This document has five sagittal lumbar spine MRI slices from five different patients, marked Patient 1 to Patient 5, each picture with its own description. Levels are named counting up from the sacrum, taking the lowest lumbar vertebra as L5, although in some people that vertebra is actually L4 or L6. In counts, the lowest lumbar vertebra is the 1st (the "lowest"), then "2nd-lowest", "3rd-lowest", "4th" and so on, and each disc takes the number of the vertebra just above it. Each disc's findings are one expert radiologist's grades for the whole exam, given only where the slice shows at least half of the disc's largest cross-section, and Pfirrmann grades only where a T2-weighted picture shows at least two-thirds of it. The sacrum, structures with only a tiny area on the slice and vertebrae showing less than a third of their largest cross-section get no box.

Patient 1 of 5:
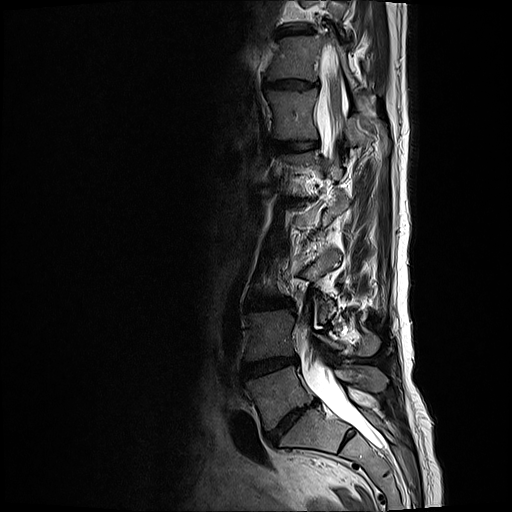

Image 512x512; Sagittal slice index 16; Sagittal T2-weighted lumbar spine MRI

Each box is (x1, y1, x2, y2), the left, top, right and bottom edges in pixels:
disc L4/L5: (242, 359, 297, 379) | T11 vertebra: (270, 35, 360, 90) | disc T10/T11: (281, 29, 314, 35) | L5/S1: (267, 403, 314, 443) | disc T12/L1: (272, 140, 317, 153) | T11/T12: (264, 77, 319, 89) | spinal canal: (301, 46, 380, 446) | L3/L4: (247, 295, 291, 310) | L5: (246, 366, 387, 430) | L4 vertebra: (246, 307, 379, 361) | disc L1/L2: (282, 197, 310, 204) | T12 vertebra: (266, 89, 389, 149)

Degenerative findings by level:
  T12/L1: Pfirrmann grade 2
  L4/L5: Pfirrmann grade 4, disc bulging, disc narrowing, Modic type II
  T11/T12: Pfirrmann grade 3, disc bulging, disc narrowing
  L3/L4: disc bulging
  L5/S1: Pfirrmann grade 5, upper-endplate change, lower-endplate change, Modic type II, disc narrowing, disc bulging

Patient 2 of 5:
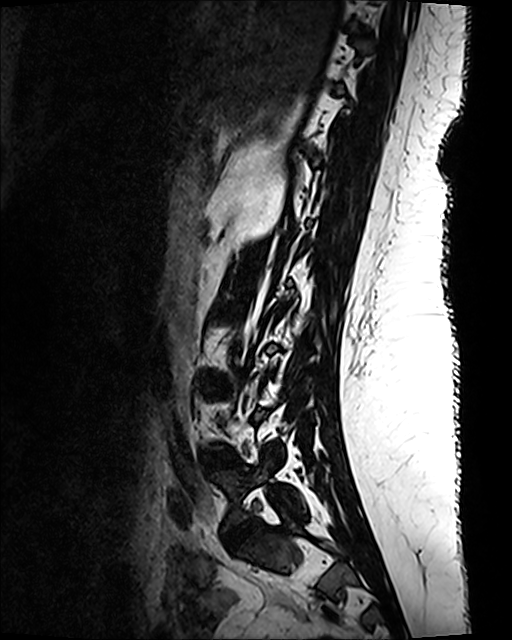 Slice 36 of 120; MRI lumbar spine (T2 SPACE (3D)), sagittal plane; Image 512x640
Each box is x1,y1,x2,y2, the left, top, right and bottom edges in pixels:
L4/L5 at 203,450,239,470; L3/L4 at 201,379,224,393; IVD L5/S1 at 221,516,261,553; L5 at 210,459,304,527.

Patient 3 of 5:
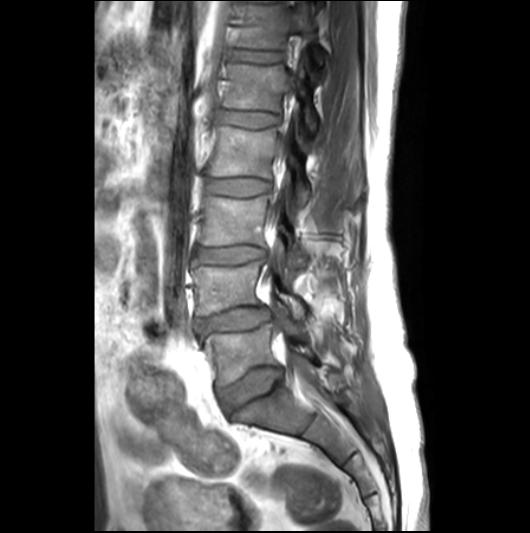 T1-weighted sagittal MRI of the lumbar spine. Sex M. Slice 10 of 26. Image 530x533. Field of view 280x282 mm.

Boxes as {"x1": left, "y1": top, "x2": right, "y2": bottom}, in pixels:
Lowest vertebra = {"x1": 204, "y1": 324, "x2": 318, "y2": 385}.
5th disc = {"x1": 217, "y1": 110, "x2": 278, "y2": 128}.
4th vertebra = {"x1": 209, "y1": 127, "x2": 310, "y2": 203}.
Thecal sac / spinal canal = {"x1": 286, "y1": 344, "x2": 307, "y2": 379}.
5th vertebra = {"x1": 220, "y1": 56, "x2": 318, "y2": 137}.
3rd-lowest disc = {"x1": 195, "y1": 246, "x2": 265, "y2": 263}.
2nd-lowest disc = {"x1": 196, "y1": 307, "x2": 271, "y2": 333}.
4th disc = {"x1": 207, "y1": 178, "x2": 270, "y2": 198}.
6th disc = {"x1": 232, "y1": 50, "x2": 283, "y2": 64}.
Lowest disc = {"x1": 219, "y1": 367, "x2": 283, "y2": 412}.
2nd-lowest vertebra = {"x1": 193, "y1": 262, "x2": 307, "y2": 318}.
3rd-lowest vertebra = {"x1": 200, "y1": 196, "x2": 305, "y2": 266}.
6th vertebra = {"x1": 234, "y1": 4, "x2": 324, "y2": 64}.

Radiological gradings:
• lowest disc: disc bulging
• 2nd-lowest disc: disc bulging, disc narrowing, disc herniation, Modic type II
• 3rd-lowest disc: upper-endplate change, disc bulging
• 6th disc: lower-endplate change
• 4th disc, 5th disc: no herniation, bulging, narrowing, spondylolisthesis, endplate or Modic change recorded

Patient 4 of 5:
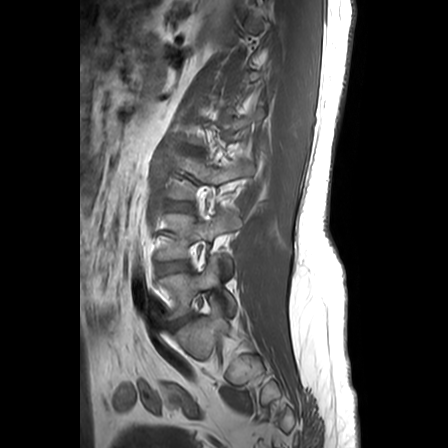

448x448 px. Patient sex: M. Slice 19/24. Sagittal T1-weighted lumbar spine MRI.
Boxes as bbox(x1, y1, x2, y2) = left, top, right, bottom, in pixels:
2nd-lowest vertebra: bbox(155, 208, 241, 269) | lowest disc: bbox(170, 316, 191, 329) | 3rd-lowest vertebra: bbox(169, 157, 253, 199) | 2nd-lowest disc: bbox(156, 262, 188, 273) | lowest vertebra: bbox(160, 256, 235, 319)

Patient 5 of 5:
MRI lumbar spine (T1-weighted), sagittal plane; 559x556 px; Scanner: Philips Healthcare Ingenia (3T); Field of view 282x281 mm, slice spacing 3.3 mm

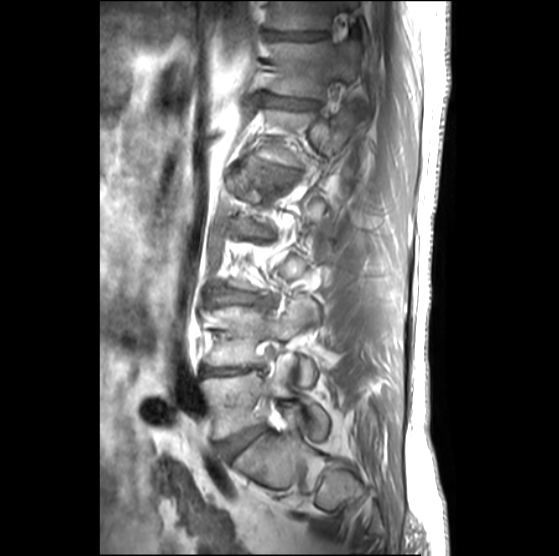

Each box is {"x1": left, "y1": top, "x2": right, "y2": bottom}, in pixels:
6th disc: {"x1": 269, "y1": 96, "x2": 318, "y2": 108}.
7th disc: {"x1": 268, "y1": 31, "x2": 325, "y2": 39}.
7th vertebra: {"x1": 271, "y1": 1, "x2": 339, "y2": 29}.
3rd-lowest disc: {"x1": 213, "y1": 292, "x2": 258, "y2": 304}.
Lowest disc: {"x1": 217, "y1": 426, "x2": 265, "y2": 456}.
2nd-lowest vertebra: {"x1": 208, "y1": 299, "x2": 317, "y2": 385}.
2nd-lowest disc: {"x1": 203, "y1": 367, "x2": 254, "y2": 373}.
6th vertebra: {"x1": 272, "y1": 41, "x2": 360, "y2": 97}.
Lowest vertebra: {"x1": 202, "y1": 359, "x2": 328, "y2": 438}.

Per-level radiological findings:
• 6th disc: disc narrowing
• 2nd-lowest disc: Modic type II, lower-endplate change, disc narrowing, upper-endplate change
• 7th disc: disc narrowing